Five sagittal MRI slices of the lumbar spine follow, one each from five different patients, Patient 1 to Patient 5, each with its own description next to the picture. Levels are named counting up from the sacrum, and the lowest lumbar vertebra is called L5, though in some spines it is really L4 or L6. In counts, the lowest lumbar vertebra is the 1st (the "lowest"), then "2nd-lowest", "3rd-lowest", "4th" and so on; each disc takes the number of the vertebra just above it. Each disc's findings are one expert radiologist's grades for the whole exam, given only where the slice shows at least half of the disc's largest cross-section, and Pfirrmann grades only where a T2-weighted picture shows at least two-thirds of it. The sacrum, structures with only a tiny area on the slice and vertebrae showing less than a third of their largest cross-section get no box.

Patient 1 of 5:
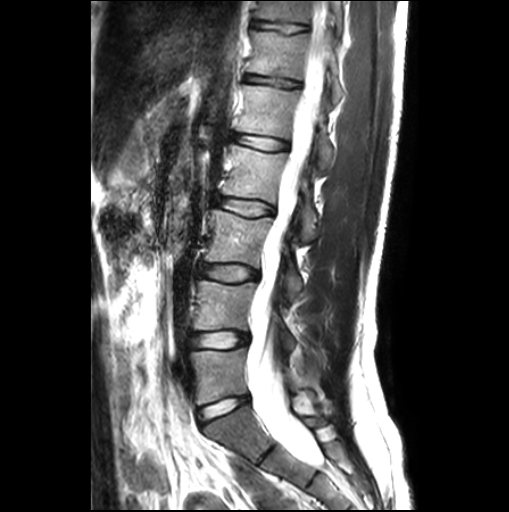 Patient sex: M; 509x512 px; Slice 11/26; MRI lumbar spine (T2-weighted), sagittal plane

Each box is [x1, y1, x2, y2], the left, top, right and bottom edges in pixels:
• L5 — [190, 348, 295, 404]
• L4/L5 — [191, 332, 248, 347]
• T12/L1 — [247, 75, 299, 86]
• L4 vertebra — [193, 279, 292, 349]
• T11/T12 — [254, 20, 308, 32]
• L2 — [221, 144, 316, 241]
• T12 — [249, 30, 340, 100]
• spinal canal — [250, 103, 321, 464]
• L3 vertebra — [205, 208, 300, 298]
• L1 vertebra — [237, 83, 332, 168]
• intervertebral disc L1/L2 — [234, 135, 287, 149]
• intervertebral disc L3/L4 — [199, 265, 257, 281]
• intervertebral disc L5/S1 — [198, 396, 249, 423]
• L2/L3 — [216, 198, 272, 215]
• T11 — [256, 0, 341, 33]

Expert MSK radiologist gradings (per disc):
- T11/T12: Pfirrmann grade 1, upper-endplate change, lower-endplate change
- L4/L5: Pfirrmann grade 1
- L3/L4: Pfirrmann grade 1
- L2/L3: Pfirrmann grade 1
- T12/L1: Pfirrmann grade 1, upper-endplate change, lower-endplate change
- L1/L2: Pfirrmann grade 1, Modic type II
- L5/S1: Pfirrmann grade 1

Patient 2 of 5:
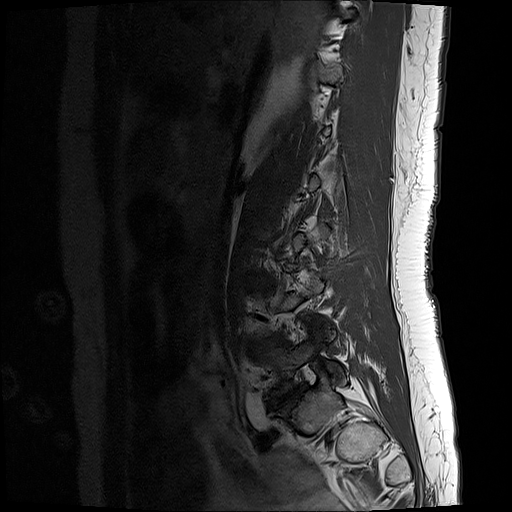 Slice spacing 3.3 mm | Sagittal T1-weighted lumbar spine MRI | Patient sex: F | Slice 17/17
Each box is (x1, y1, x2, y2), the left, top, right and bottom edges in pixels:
Structures:
• 2nd-lowest disc: (255, 338, 279, 349)
• lowest disc: (270, 386, 303, 406)

Patient 3 of 5:
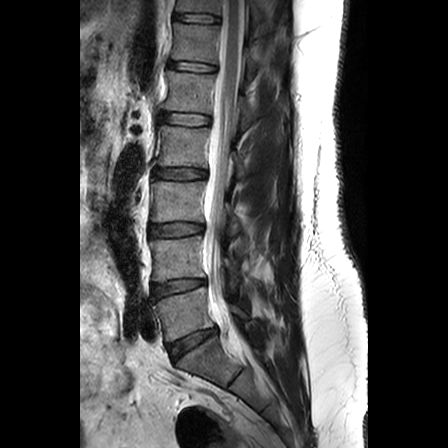
Image 448x448 | Lumbar spine MR, T2-weighted, sagittal

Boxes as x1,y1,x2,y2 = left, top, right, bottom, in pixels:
T12/L1: 169,61,215,71
intervertebral disc L1/L2: 159,112,209,125
thecal sac / spinal canal: 203,0,244,332
L4 vertebra: 150,235,238,288
L2 vertebra: 155,125,243,177
L5 vertebra: 152,287,248,341
T12: 172,22,257,75
intervertebral disc L2/L3: 153,169,206,179
L4/L5: 152,279,204,297
L5/S1: 168,328,216,360
L3: 151,181,239,234
L3/L4: 150,222,202,236
L1: 165,71,253,130
intervertebral disc T11/T12: 174,13,218,22
T11: 176,0,261,20

Per-level radiological findings:
- L2/L3: Pfirrmann grade 2, disc bulging
- L4/L5: Pfirrmann grade 2
- T11/T12: Pfirrmann grade 1
- L5/S1: Pfirrmann grade 3, disc bulging
- T12/L1: Pfirrmann grade 1
- L3/L4: Pfirrmann grade 2
- L1/L2: Pfirrmann grade 1

Patient 4 of 5:
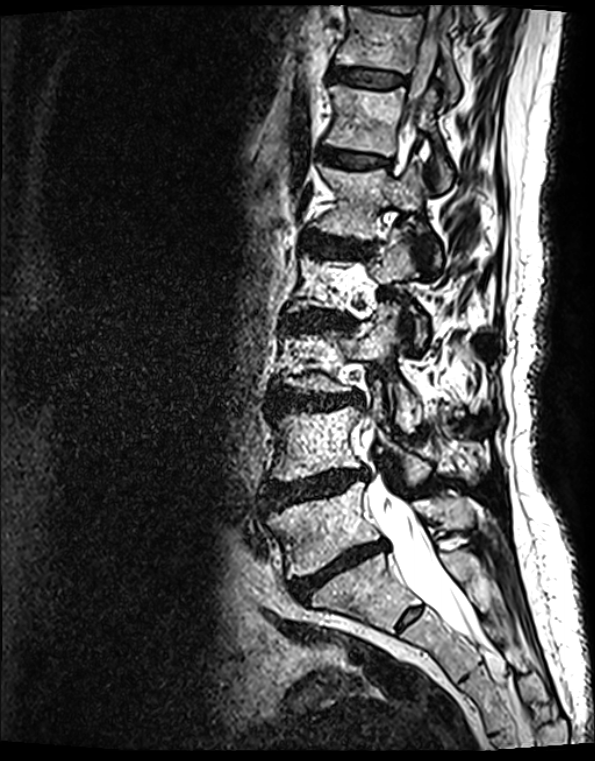 Sex F, Lumbar spine MR, T2 SPACE (3D), sagittal
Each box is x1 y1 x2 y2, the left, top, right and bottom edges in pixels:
Thecal sac / spinal canal at 369 39 474 636, L4/L5 at 269 469 365 509, T11/T12 at 334 69 405 89, T11 vertebra at 336 8 459 105, L1 at 320 159 440 263, T12/L1 at 321 148 386 169, L5 vertebra at 270 482 472 577, disc L5/S1 at 291 542 385 601, T12 at 328 87 451 188, L3 vertebra at 284 305 422 431, disc L3/L4 at 272 391 356 410, L1/L2 at 319 237 350 250, L4 at 273 388 429 486, disc L2/L3 at 298 313 328 328.

Degenerative findings by level:
• T12/L1: Pfirrmann grade 2, upper-endplate change, lower-endplate change, Modic type II
• T11/T12: Pfirrmann grade 2, Modic type II, lower-endplate change, upper-endplate change
• L3/L4: Pfirrmann grade 4, disc bulging, upper-endplate change, Modic type II, lower-endplate change, disc narrowing
• L5/S1: Pfirrmann grade 5, disc narrowing, disc bulging, upper-endplate change, lower-endplate change, Modic type II
• L4/L5: Pfirrmann grade 4, Modic type II, disc narrowing, upper-endplate change, lower-endplate change, disc bulging, disc herniation

Patient 5 of 5:
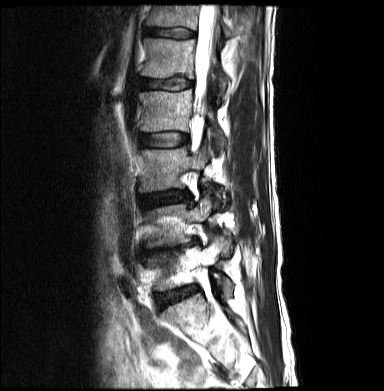
MRI lumbar spine (T2-weighted), sagittal plane. Slice 7 of 21. Slice spacing 4.7 mm.
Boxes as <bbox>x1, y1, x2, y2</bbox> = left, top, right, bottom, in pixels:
intervertebral disc L2/L3: <bbox>139, 132, 187, 146</bbox>
L4: <bbox>146, 194, 212, 247</bbox>
L2 vertebra: <bbox>138, 90, 225, 149</bbox>
T12/L1: <bbox>145, 27, 194, 38</bbox>
L5: <bbox>147, 236, 232, 295</bbox>
L1: <bbox>142, 38, 227, 95</bbox>
spinal canal: <bbox>194, 5, 218, 118</bbox>
T12: <bbox>146, 6, 232, 37</bbox>
L3/L4: <bbox>140, 191, 186, 207</bbox>
L4/L5: <bbox>146, 247, 182, 255</bbox>
L5/S1: <bbox>159, 286, 195, 307</bbox>
L3 vertebra: <bbox>140, 147, 225, 197</bbox>
intervertebral disc L1/L2: <bbox>139, 78, 192, 89</bbox>

Expert MSK radiologist gradings (per disc):
- L2/L3: Pfirrmann grade 2
- L5/S1: Modic type II
- T12/L1: Pfirrmann grade 3
- L1/L2: Pfirrmann grade 2
- L3/L4: Pfirrmann grade 3, disc narrowing, disc bulging